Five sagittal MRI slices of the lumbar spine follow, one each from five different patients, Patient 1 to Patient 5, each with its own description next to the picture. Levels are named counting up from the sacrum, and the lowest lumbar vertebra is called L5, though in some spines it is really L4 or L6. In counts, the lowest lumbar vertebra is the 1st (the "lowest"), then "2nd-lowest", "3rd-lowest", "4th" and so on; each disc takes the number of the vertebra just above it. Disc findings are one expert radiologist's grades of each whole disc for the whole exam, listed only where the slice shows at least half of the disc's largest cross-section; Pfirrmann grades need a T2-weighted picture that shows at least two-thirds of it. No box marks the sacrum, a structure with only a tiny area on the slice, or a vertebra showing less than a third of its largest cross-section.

Patient 1 of 5:
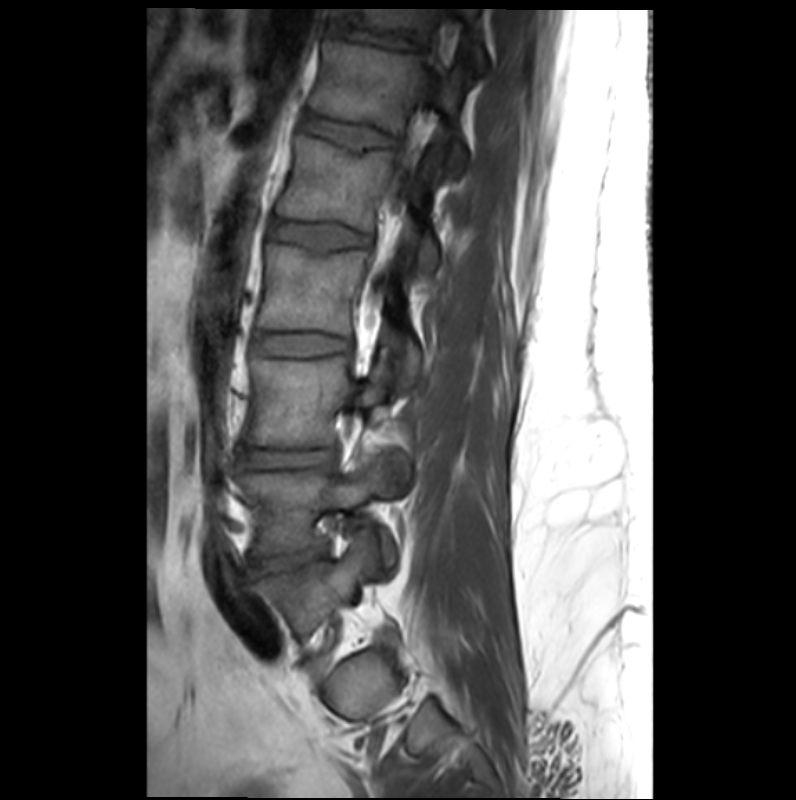 Sagittal T1-weighted lumbar spine MRI; Patient sex: M; Sagittal slice index 21
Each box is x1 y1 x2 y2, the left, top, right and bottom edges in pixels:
Spinal canal at 390 23 453 210, T12 at 310 40 464 175, L4/L5 at 256 553 323 571, L4 vertebra at 239 447 410 574, L3 at 249 347 393 445, T11 at 335 10 485 72, L2/L3 at 253 332 351 355, disc L3/L4 at 242 448 334 467, disc T12/L1 at 302 113 395 151, L5 vertebra at 257 530 377 639, disc T11/T12 at 328 20 418 50, L1 vertebra at 277 134 436 273, L1/L2 at 270 219 368 253, L2 at 257 243 420 350.

Per-level radiological findings:
  L1/L2: lower-endplate change, upper-endplate change
  T12/L1: lower-endplate change, upper-endplate change
  T11/T12: lower-endplate change
  L3/L4, L2/L3: no spondylolisthesis, narrowing, bulging, herniation, Modic or endplate change recorded

Patient 2 of 5:
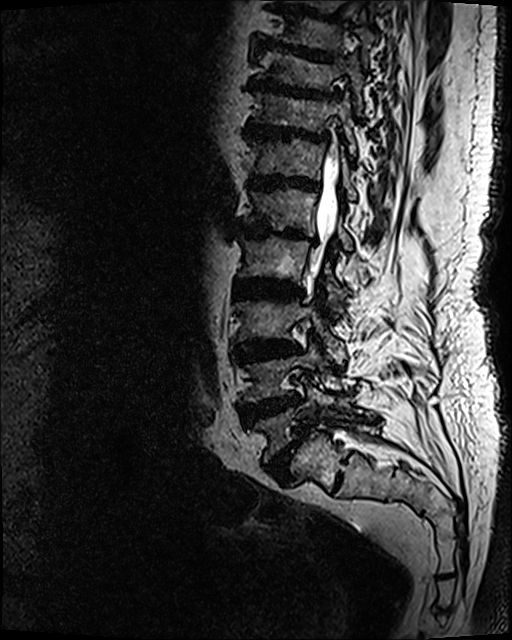 Slice 76 of 120. 512x640 px. Sagittal T2 SPACE (3D) lumbar spine MRI.
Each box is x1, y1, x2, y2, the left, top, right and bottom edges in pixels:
T9/T10: 292, 45, 334, 60.
Intervertebral disc L4/L5: 236, 394, 302, 428.
Spinal canal: 312, 148, 341, 272.
Intervertebral disc T12/L1: 249, 174, 320, 192.
L5 vertebra: 249, 376, 362, 462.
Intervertebral disc L5/S1: 264, 424, 309, 479.
T10/T11: 248, 77, 338, 100.
T10: 257, 48, 364, 114.
Intervertebral disc T11/T12: 245, 120, 329, 142.
T11 vertebra: 254, 92, 357, 158.
L1/L2: 234, 224, 318, 245.
L3/L4: 235, 339, 299, 361.
L2 vertebra: 237, 237, 350, 305.
L1 vertebra: 244, 186, 354, 251.
T12: 253, 138, 358, 200.
L4 vertebra: 241, 337, 343, 403.
L3 vertebra: 238, 291, 345, 365.
L2/L3: 234, 280, 301, 297.

Degenerative findings by level:
- L1/L2: lower-endplate change, disc bulging, disc narrowing, Modic type II, upper-endplate change
- T10/T11: Pfirrmann grade 5, lower-endplate change, disc bulging, upper-endplate change, Modic type II, disc narrowing
- T11/T12: Pfirrmann grade 5, upper-endplate change, disc narrowing, disc bulging, lower-endplate change, Modic type II
- L2/L3: Pfirrmann grade 5, lower-endplate change, Modic type II, disc narrowing, upper-endplate change, disc bulging
- L3/L4: Pfirrmann grade 5, upper-endplate change, lower-endplate change, disc narrowing, disc bulging, Modic type II
- L5/S1: Pfirrmann grade 5, upper-endplate change, disc bulging, spondylolisthesis, lower-endplate change, disc narrowing, Modic type II
- T12/L1: Pfirrmann grade 5, disc narrowing, Modic type II, upper-endplate change, lower-endplate change, disc bulging
- L4/L5: disc bulging, upper-endplate change, Modic type II, lower-endplate change, disc narrowing

Patient 3 of 5:
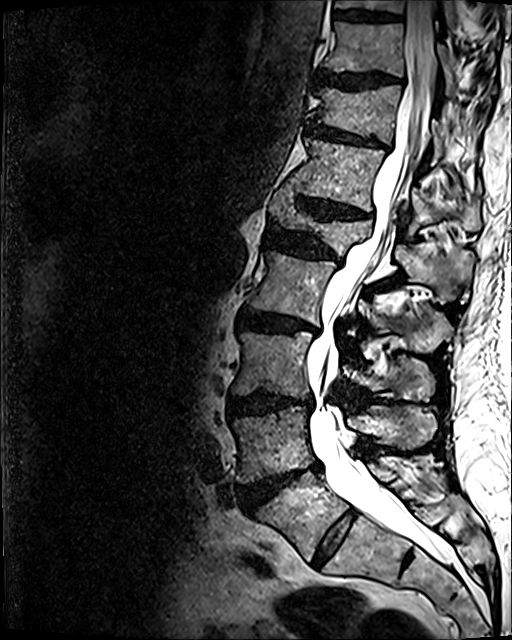 Slice 64 of 120, Lumbar spine MR, T2 SPACE (3D), sagittal
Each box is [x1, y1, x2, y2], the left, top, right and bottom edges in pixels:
Annotations:
• T9/T10: [334, 10, 398, 21]
• L2 vertebra: [248, 251, 452, 352]
• L4 vertebra: [232, 406, 437, 483]
• thecal sac / spinal canal: [307, 0, 452, 563]
• T11: [309, 84, 443, 161]
• disc L1/L2: [265, 226, 341, 263]
• L1 vertebra: [269, 186, 472, 302]
• L5/S1: [312, 510, 356, 566]
• T9: [335, 0, 456, 27]
• disc L3/L4: [229, 393, 311, 416]
• L2/L3: [238, 311, 318, 333]
• T10: [323, 22, 455, 93]
• L3 vertebra: [231, 331, 434, 398]
• T11/T12: [306, 122, 385, 147]
• T12: [289, 137, 480, 233]
• disc T12/L1: [299, 197, 370, 218]
• L4/L5: [241, 463, 321, 510]
• T10/T11: [317, 70, 400, 88]
• L5: [257, 454, 439, 560]

Radiological gradings:
• L2/L3: Pfirrmann grade 4, upper-endplate change, disc bulging, disc narrowing, Modic type II, lower-endplate change
• T10/T11: Pfirrmann grade 4, lower-endplate change, disc bulging, upper-endplate change
• T9/T10: Pfirrmann grade 3, lower-endplate change
• T12/L1: Pfirrmann grade 4, lower-endplate change, disc bulging, upper-endplate change, disc narrowing
• L5/S1: Pfirrmann grade 2
• L4/L5: Pfirrmann grade 5, disc herniation, upper-endplate change, lower-endplate change, Modic type II, disc bulging, disc narrowing
• T11/T12: Pfirrmann grade 4, upper-endplate change, disc narrowing, disc bulging, lower-endplate change
• L1/L2: Pfirrmann grade 4, lower-endplate change, upper-endplate change, disc bulging, disc narrowing
• L3/L4: Pfirrmann grade 4, disc bulging, upper-endplate change, lower-endplate change, disc narrowing

Patient 4 of 5:
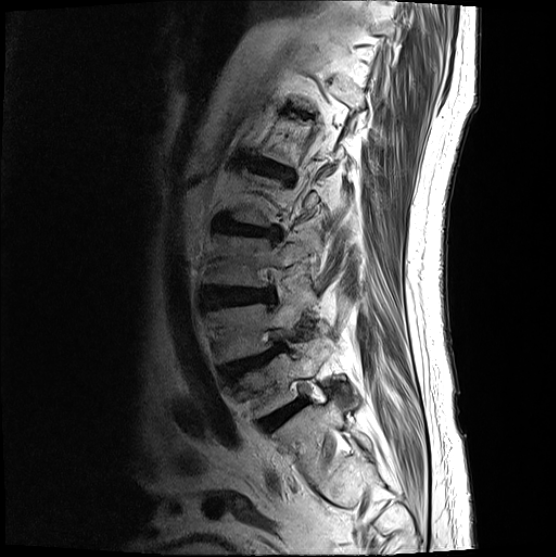

MRI lumbar spine (T2-weighted), sagittal plane. Sex M. 556x557 px.

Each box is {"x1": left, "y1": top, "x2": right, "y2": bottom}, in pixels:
Disc L5/S1 (lowest disc) at {"x1": 261, "y1": 398, "x2": 306, "y2": 430}, disc L4/L5 (2nd-lowest disc) at {"x1": 224, "y1": 345, "x2": 281, "y2": 379}, disc L2/L3 (4th disc) at {"x1": 216, "y1": 217, "x2": 280, "y2": 239}, L3 (3rd-lowest vertebra) at {"x1": 208, "y1": 234, "x2": 311, "y2": 287}, L3/L4 (3rd-lowest disc) at {"x1": 204, "y1": 287, "x2": 273, "y2": 307}, L4 (2nd-lowest vertebra) at {"x1": 208, "y1": 303, "x2": 304, "y2": 363}, L5 (lowest vertebra) at {"x1": 237, "y1": 343, "x2": 330, "y2": 417}, disc L1/L2 (5th disc) at {"x1": 250, "y1": 159, "x2": 292, "y2": 179}.

Per-level radiological findings:
- L2/L3 (4th disc): Pfirrmann grade 4, lower-endplate change, disc narrowing, disc bulging, upper-endplate change
- L3/L4 (3rd-lowest disc): Pfirrmann grade 4, disc bulging
- L1/L2 (5th disc): upper-endplate change, disc bulging, lower-endplate change

Patient 5 of 5:
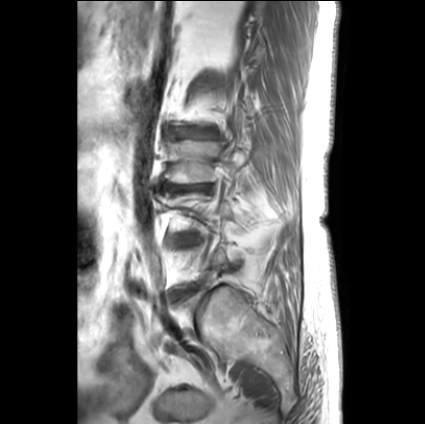

425x424 px | MRI lumbar spine (T1-weighted), sagittal plane
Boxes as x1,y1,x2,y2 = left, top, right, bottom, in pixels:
IVD L2/L3 at 169,129,218,138 | IVD L4/L5 at 177,234,198,244 | L3 vertebra at 166,140,247,183 | IVD L3/L4 at 163,184,211,191

Expert MSK radiologist gradings (per disc):
• L3/L4: Modic type II, disc narrowing, lower-endplate change, disc bulging, upper-endplate change
• L2/L3: disc bulging, disc narrowing, lower-endplate change, upper-endplate change